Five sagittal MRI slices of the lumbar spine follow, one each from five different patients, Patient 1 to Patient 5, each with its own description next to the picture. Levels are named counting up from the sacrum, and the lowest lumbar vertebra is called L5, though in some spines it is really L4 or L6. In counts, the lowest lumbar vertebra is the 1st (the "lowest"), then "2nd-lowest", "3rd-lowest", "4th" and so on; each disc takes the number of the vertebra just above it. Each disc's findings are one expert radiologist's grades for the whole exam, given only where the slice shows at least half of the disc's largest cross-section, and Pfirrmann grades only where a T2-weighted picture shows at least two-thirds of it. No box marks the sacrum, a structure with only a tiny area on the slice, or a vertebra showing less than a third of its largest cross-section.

Patient 1 of 5:
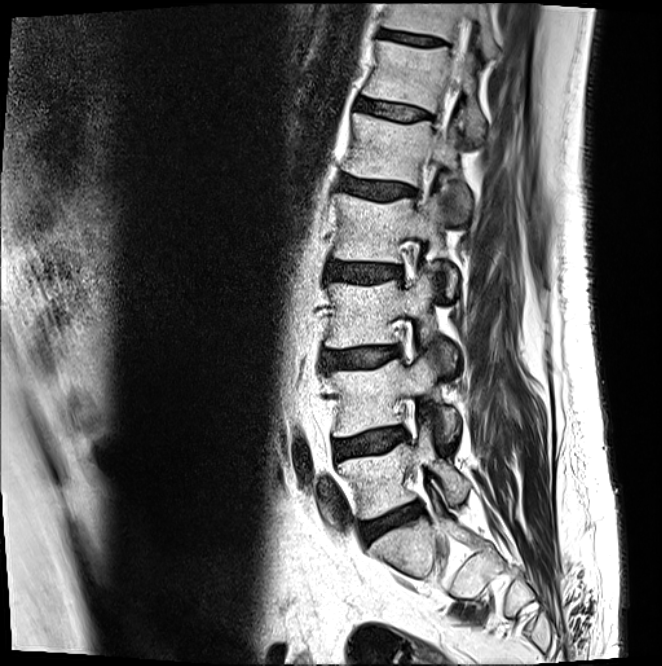
T2-weighted sagittal MRI of the lumbar spine.

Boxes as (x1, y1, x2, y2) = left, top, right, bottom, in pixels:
5th vertebra: (343, 112, 471, 223).
Lowest disc: (360, 502, 423, 543).
4th vertebra: (332, 193, 458, 298).
6th disc: (357, 98, 430, 119).
Spinal canal: (441, 20, 470, 137).
4th disc: (326, 262, 401, 282).
2nd-lowest disc: (334, 426, 408, 459).
5th disc: (341, 176, 415, 199).
Lowest vertebra: (338, 422, 470, 520).
6th vertebra: (361, 39, 485, 141).
7th vertebra: (382, 2, 500, 59).
2nd-lowest vertebra: (327, 355, 459, 443).
7th disc: (379, 29, 443, 45).
3rd-lowest disc: (322, 345, 400, 370).
3rd-lowest vertebra: (325, 270, 457, 370).

Expert MSK radiologist gradings (per disc):
- 3rd-lowest disc: Pfirrmann grade 2, Modic type II, disc bulging
- 4th disc: Pfirrmann grade 3, disc bulging
- 6th disc: Pfirrmann grade 2
- 2nd-lowest disc: Pfirrmann grade 2, Modic type II, disc bulging
- 7th disc: Pfirrmann grade 3
- 5th disc: Pfirrmann grade 3, disc bulging
- lowest disc: disc bulging, disc narrowing, Modic type II

Patient 2 of 5:
Philips Healthcare Ingenia (3T); Sagittal slice index 11; Sagittal T2-weighted lumbar spine MRI
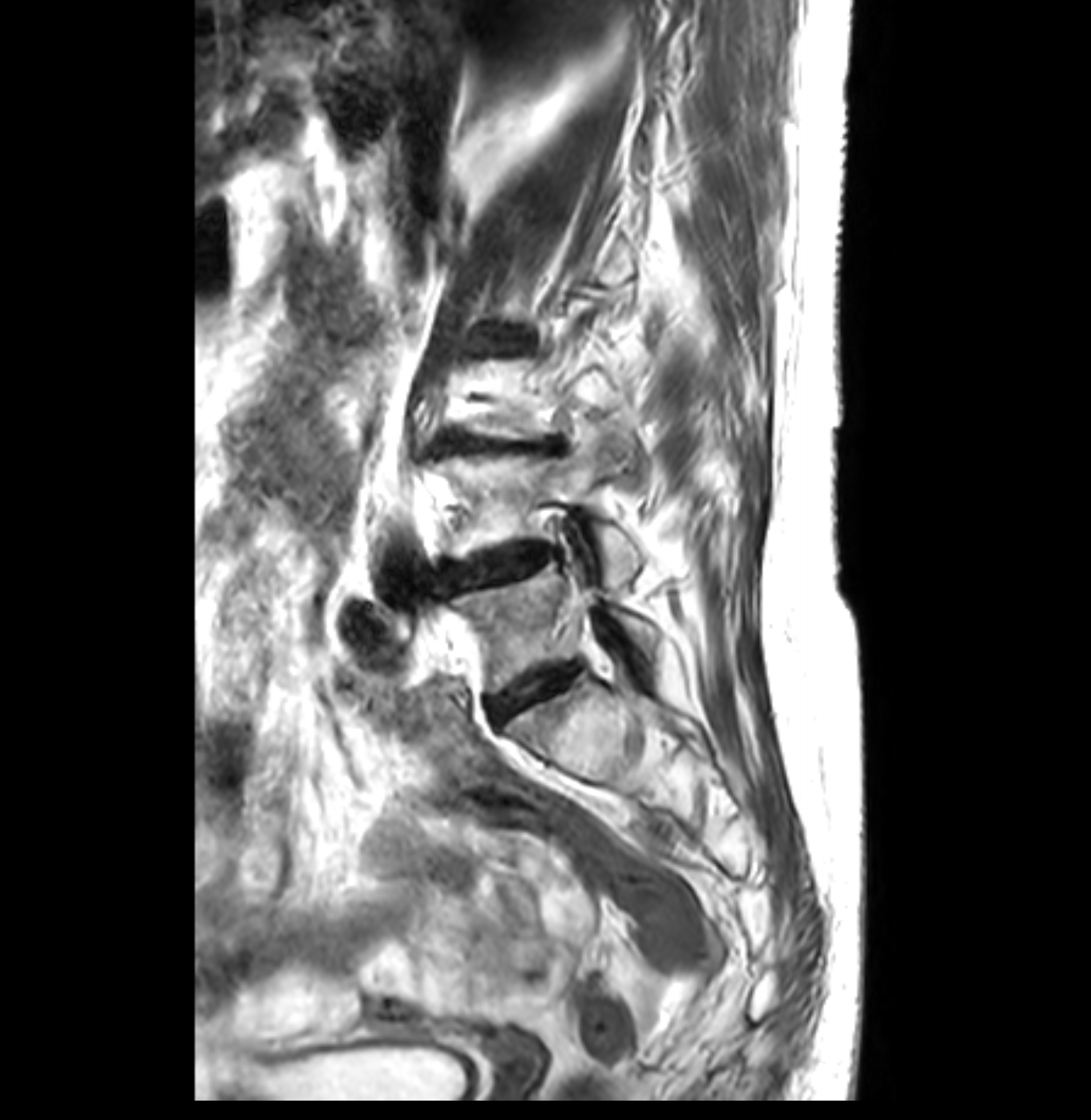
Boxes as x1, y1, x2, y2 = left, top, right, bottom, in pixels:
Lowest disc at 489, 665, 577, 720; 3rd-lowest disc at 436, 431, 560, 453; 2nd-lowest vertebra at 443, 434, 640, 586; 2nd-lowest disc at 443, 545, 560, 586; lowest vertebra at 453, 561, 660, 692.

Per-level radiological findings:
  lowest disc: disc bulging
  2nd-lowest disc: Pfirrmann grade 3, Modic type II, disc bulging, disc narrowing

Patient 3 of 5:
Sagittal slice index 6; Sagittal T2-weighted lumbar spine MRI
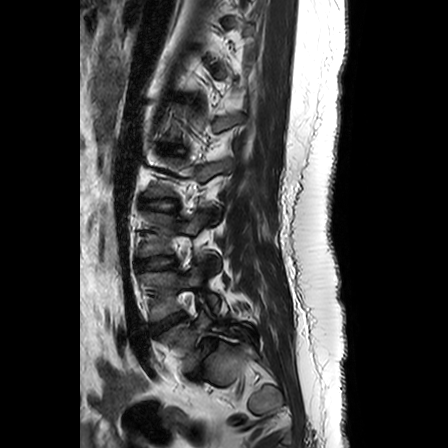 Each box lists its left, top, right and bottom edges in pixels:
Annotations:
* IVD L1/L2 (5th disc) — left=162, top=146, right=177, bottom=153
* L2/L3 (4th disc) — left=142, top=199, right=177, bottom=209
* L4 (2nd-lowest vertebra) — left=141, top=264, right=218, bottom=320
* L4/L5 (2nd-lowest disc) — left=150, top=313, right=184, bottom=333
* L5 (lowest vertebra) — left=159, top=310, right=249, bottom=371
* IVD L5/S1 (lowest disc) — left=192, top=338, right=218, bottom=373
* L3/L4 (3rd-lowest disc) — left=138, top=256, right=174, bottom=270
* L3 (3rd-lowest vertebra) — left=140, top=212, right=205, bottom=256

Radiological gradings:
- L3/L4 (3rd-lowest disc): Pfirrmann grade 3
- L5/S1 (lowest disc): spondylolisthesis, disc narrowing, lower-endplate change, disc bulging
- L2/L3 (4th disc): no herniation, bulging, narrowing, spondylolisthesis, endplate or Modic change recorded

Patient 4 of 5:
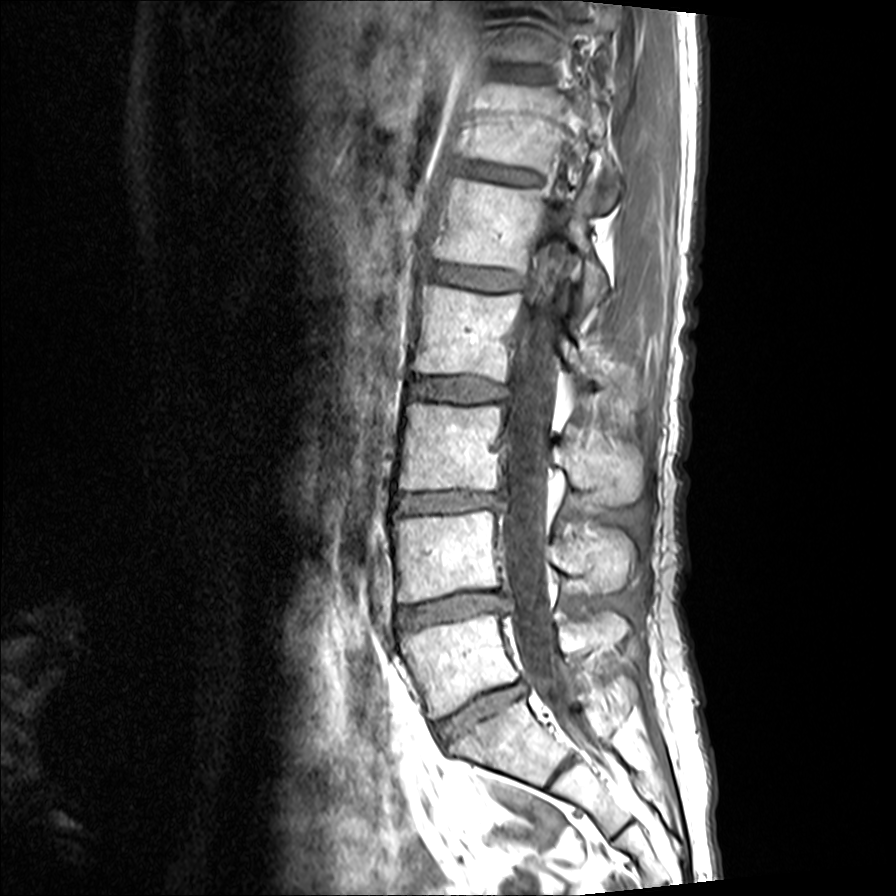 896x896 px | Lumbar spine MR, T1-weighted, sagittal

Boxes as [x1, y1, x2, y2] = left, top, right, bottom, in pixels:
* L1: [434, 178, 608, 305]
* L3: [399, 402, 643, 505]
* disc L2/L3: [413, 377, 506, 401]
* L5 vertebra: [401, 610, 627, 719]
* L4: [392, 510, 635, 601]
* L1/L2: [430, 264, 525, 288]
* disc L5/S1: [436, 681, 527, 744]
* disc L3/L4: [395, 491, 502, 511]
* spinal canal: [503, 228, 576, 722]
* T12 vertebra: [471, 84, 562, 169]
* disc T12/L1: [467, 164, 537, 184]
* T11/T12: [515, 66, 550, 78]
* L2: [415, 283, 598, 382]
* L4/L5: [396, 591, 510, 628]

Expert MSK radiologist gradings (per disc):
  L5/S1: disc narrowing, disc bulging
  L2/L3: Modic type II
  L3/L4: disc bulging, disc narrowing
  L4/L5: disc bulging, disc narrowing
  L1/L2, T12/L1: no Modic or endplate change, herniation, narrowing, bulging or spondylolisthesis recorded

Patient 5 of 5:
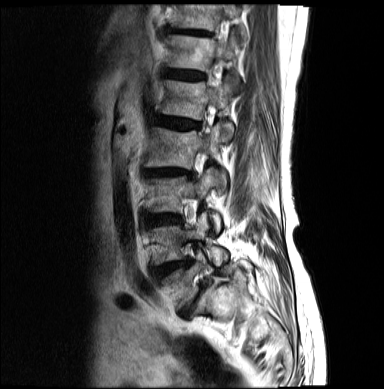 MRI lumbar spine (T2-weighted), sagittal plane; Sagittal slice index 5; Slice spacing 4.8 mm

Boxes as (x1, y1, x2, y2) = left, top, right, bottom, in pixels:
T11 — (169, 6, 247, 40).
L3 — (149, 169, 222, 232).
T12/L1 — (164, 70, 205, 80).
L1/L2 — (155, 117, 201, 128).
L4 — (152, 213, 228, 265).
L5 vertebra — (159, 252, 252, 305).
L4/L5 — (153, 262, 188, 280).
L1 vertebra — (161, 80, 234, 143).
L2 vertebra — (146, 125, 228, 192).
Disc L5/S1 — (181, 283, 209, 319).
T12 — (165, 36, 240, 84).
L3/L4 — (147, 216, 181, 226).
Disc T11/T12 — (164, 28, 211, 35).
Disc L2/L3 — (145, 169, 190, 177).

Expert MSK radiologist gradings (per disc):
  L4/L5: Modic type II, disc narrowing
  T12/L1: Pfirrmann grade 3
  L2/L3: Pfirrmann grade 4, Modic type II, disc narrowing, disc bulging
  L1/L2: Pfirrmann grade 4, lower-endplate change, disc bulging
  L3/L4: disc bulging
  T11/T12: Pfirrmann grade 4, disc bulging, disc narrowing